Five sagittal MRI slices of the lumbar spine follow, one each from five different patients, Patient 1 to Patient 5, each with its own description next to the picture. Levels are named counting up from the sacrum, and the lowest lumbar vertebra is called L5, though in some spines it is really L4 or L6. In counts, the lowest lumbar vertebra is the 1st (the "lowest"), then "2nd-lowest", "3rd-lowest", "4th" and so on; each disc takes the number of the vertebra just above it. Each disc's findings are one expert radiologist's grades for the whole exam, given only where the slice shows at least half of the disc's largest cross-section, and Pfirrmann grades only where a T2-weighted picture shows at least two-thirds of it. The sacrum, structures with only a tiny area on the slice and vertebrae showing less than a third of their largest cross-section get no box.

Patient 1 of 5:
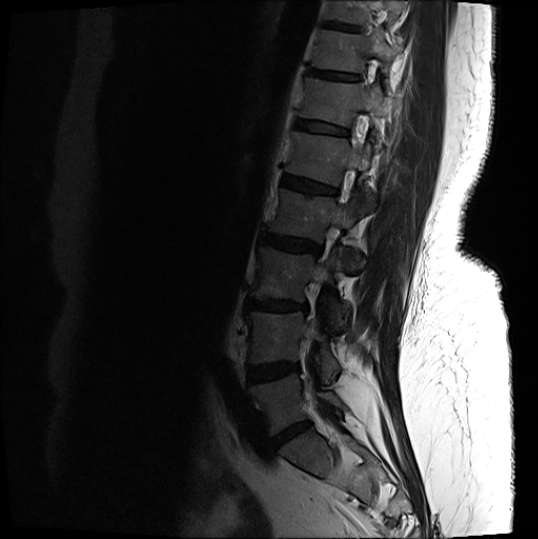
538x539 px; T2-weighted sagittal MRI of the lumbar spine; Sagittal slice index 12
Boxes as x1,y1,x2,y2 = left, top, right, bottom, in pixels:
Segmented structures:
* 4th vertebra: 268,189,364,271
* 2nd-lowest disc: 247,362,300,382
* 6th disc: 296,120,348,136
* lowest vertebra: 249,374,345,435
* 7th vertebra: 311,30,394,73
* 7th disc: 307,68,360,81
* 8th vertebra: 322,1,403,25
* lowest disc: 272,422,310,447
* 3rd-lowest disc: 246,299,308,311
* 5th vertebra: 285,132,374,211
* 4th disc: 260,233,322,255
* 5th disc: 282,175,338,195
* 2nd-lowest vertebra: 246,311,341,378
* 3rd-lowest vertebra: 250,246,348,330
* 8th disc: 322,22,363,32
* 6th vertebra: 299,77,386,137

Expert MSK radiologist gradings (per disc):
• 4th disc: Pfirrmann grade 4, disc bulging, upper-endplate change, lower-endplate change
• 5th disc: Pfirrmann grade 4, upper-endplate change, lower-endplate change, Modic type II
• 7th disc: Pfirrmann grade 4, upper-endplate change
• 6th disc: Pfirrmann grade 3, lower-endplate change, upper-endplate change
• 8th disc: upper-endplate change, lower-endplate change
• 3rd-lowest disc: Pfirrmann grade 4, disc narrowing, Modic type II, lower-endplate change, upper-endplate change, disc bulging
• 2nd-lowest disc: Pfirrmann grade 4, Modic type II, disc bulging, lower-endplate change

Patient 2 of 5:
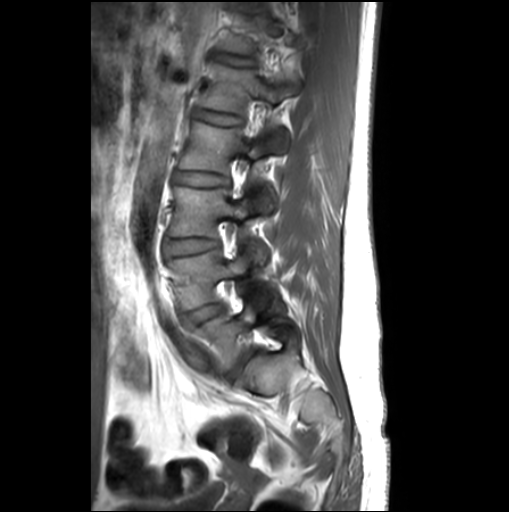 T1-weighted sagittal MRI of the lumbar spine.

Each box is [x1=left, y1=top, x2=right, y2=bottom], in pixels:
L4: [x1=168, y1=243, x2=266, y2=309]
T12: [x1=222, y1=16, x2=292, y2=55]
L1 vertebra: [x1=200, y1=64, x2=298, y2=153]
L2 vertebra: [x1=179, y1=122, x2=274, y2=212]
disc L1/L2: [x1=194, y1=109, x2=241, y2=125]
disc L5/S1: [x1=226, y1=350, x2=251, y2=381]
L5 vertebra: [x1=192, y1=287, x2=297, y2=370]
L3/L4: [x1=163, y1=238, x2=218, y2=259]
disc L4/L5: [x1=181, y1=303, x2=223, y2=327]
disc T12/L1: [x1=215, y1=53, x2=255, y2=66]
L3 vertebra: [x1=168, y1=187, x2=248, y2=236]
L2/L3: [x1=174, y1=171, x2=229, y2=186]

Per-level radiological findings:
- L4/L5: disc bulging
- L3/L4: disc bulging
- L1/L2, T12/L1, L2/L3: no Modic or endplate change, herniation, narrowing, bulging or spondylolisthesis recorded

Patient 3 of 5:
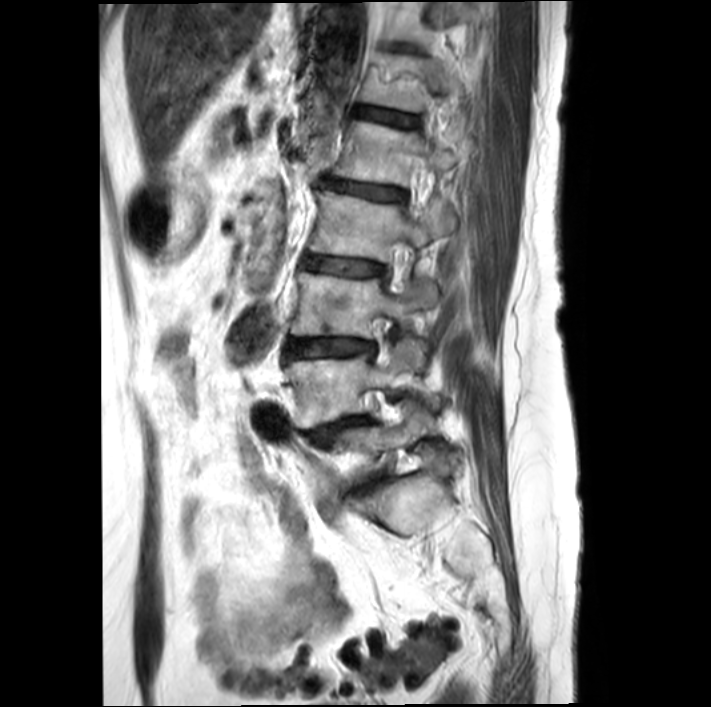 Sagittal slice index 15 | Patient sex: F | T2-weighted sagittal MRI of the lumbar spine
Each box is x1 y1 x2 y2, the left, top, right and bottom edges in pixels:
T12 (6th vertebra) at 362 53 464 112, intervertebral disc T12/L1 (6th disc) at 356 107 419 127, L3/L4 (3rd-lowest disc) at 285 338 375 358, L4/L5 (2nd-lowest disc) at 306 417 371 442, L5/S1 (lowest disc) at 364 477 385 492, L2 (4th vertebra) at 309 191 448 262, L3 (3rd-lowest vertebra) at 290 272 437 337, L5 (lowest vertebra) at 333 400 432 481, L1 (5th vertebra) at 332 121 466 186, intervertebral disc L2/L3 (4th disc) at 302 256 384 275, intervertebral disc L1/L2 (5th disc) at 320 177 405 201, L4 (2nd-lowest vertebra) at 285 338 425 428.

Radiological gradings:
  T12/L1 (6th disc): Pfirrmann grade 3, upper-endplate change, lower-endplate change, Modic type II
  L4/L5 (2nd-lowest disc): disc bulging, Modic type II, disc narrowing, spondylolisthesis, lower-endplate change
  L1/L2 (5th disc): Pfirrmann grade 3, Modic type II, lower-endplate change
  L3/L4 (3rd-lowest disc): Pfirrmann grade 3, Modic type II, upper-endplate change, lower-endplate change, disc bulging
  L2/L3 (4th disc): Pfirrmann grade 3, upper-endplate change, Modic type II

Patient 4 of 5:
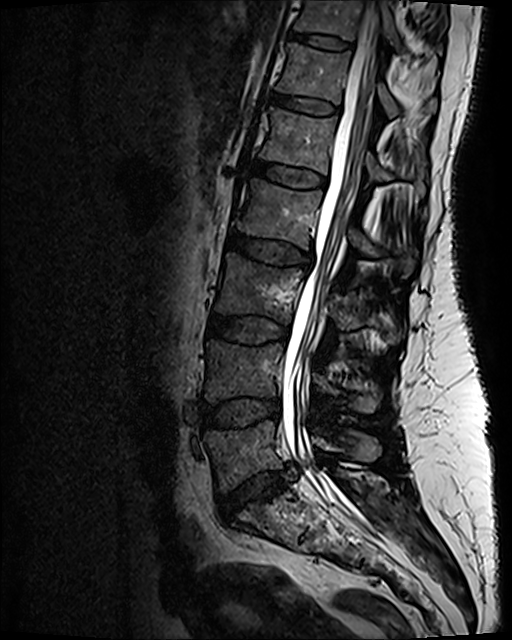
MRI lumbar spine (T2 SPACE (3D)), sagittal plane; Sagittal slice index 64
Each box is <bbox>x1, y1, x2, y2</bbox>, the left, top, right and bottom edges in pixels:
2nd-lowest vertebra: <bbox>203, 340, 380, 413</bbox>
7th vertebra: <bbox>294, 0, 442, 54</bbox>
5th vertebra: <bbox>260, 108, 425, 196</bbox>
6th disc: <bbox>272, 94, 339, 114</bbox>
7th disc: <bbox>288, 32, 351, 50</bbox>
lowest vertebra: <bbox>204, 421, 380, 491</bbox>
4th vertebra: <bbox>233, 179, 414, 277</bbox>
4th disc: <bbox>227, 232, 312, 266</bbox>
3rd-lowest disc: <bbox>207, 315, 286, 343</bbox>
6th vertebra: <bbox>277, 43, 436, 117</bbox>
2nd-lowest disc: <bbox>200, 400, 280, 426</bbox>
spinal canal: <bbox>282, 0, 380, 520</bbox>
3rd-lowest vertebra: <bbox>214, 254, 398, 343</bbox>
5th disc: <bbox>251, 161, 326, 187</bbox>
lowest disc: <bbox>221, 471, 287, 520</bbox>

Radiological gradings:
  2nd-lowest disc: Pfirrmann grade 3, disc bulging
  6th disc: Pfirrmann grade 2
  4th disc: Pfirrmann grade 3, disc bulging
  3rd-lowest disc: Pfirrmann grade 3
  7th disc: Pfirrmann grade 2
  5th disc: Pfirrmann grade 2
  lowest disc: Pfirrmann grade 3, lower-endplate change, disc herniation, disc narrowing, upper-endplate change

Patient 5 of 5:
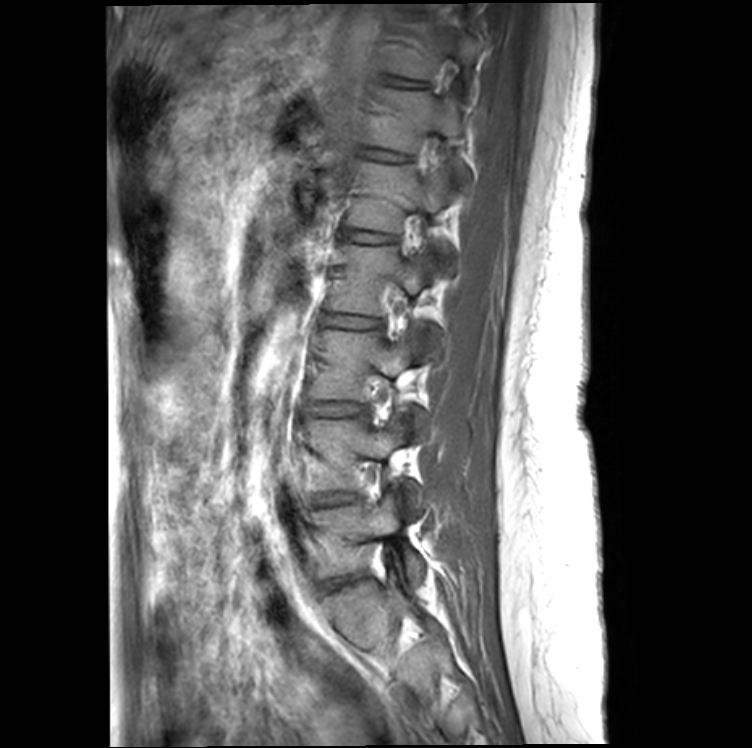 Patient sex: F. Lumbar spine MR, T1-weighted, sagittal.

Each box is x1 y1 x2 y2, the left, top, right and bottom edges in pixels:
T12/L1 — 362 149 407 162.
L3 — 309 330 428 428.
T11 vertebra — 383 22 476 79.
Disc L3/L4 — 309 402 366 416.
L2/L3 — 325 314 379 329.
T11/T12 — 385 77 428 88.
T12 vertebra — 362 88 470 182.
L5 — 314 494 425 585.
L1/L2 — 345 230 394 242.
L2 — 328 244 441 345.
L5/S1 — 332 576 360 588.
L4/L5 — 314 492 357 505.
L1 — 346 160 452 262.
L4 — 306 416 423 509.

Radiological gradings:
  L2/L3, L1/L2, L3/L4, T12/L1: no Modic or endplate change, herniation, narrowing, bulging or spondylolisthesis recorded